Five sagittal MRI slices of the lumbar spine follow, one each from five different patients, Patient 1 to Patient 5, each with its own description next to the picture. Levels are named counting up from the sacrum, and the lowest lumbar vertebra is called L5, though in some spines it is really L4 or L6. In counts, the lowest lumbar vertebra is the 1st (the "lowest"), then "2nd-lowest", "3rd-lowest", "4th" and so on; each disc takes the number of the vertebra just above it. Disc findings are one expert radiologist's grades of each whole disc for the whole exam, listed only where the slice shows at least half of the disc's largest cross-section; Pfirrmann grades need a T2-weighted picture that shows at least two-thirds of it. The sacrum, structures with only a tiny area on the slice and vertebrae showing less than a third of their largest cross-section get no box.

Patient 1 of 5:
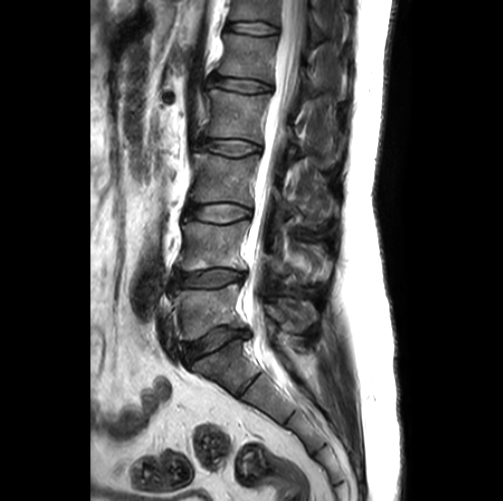 Sagittal T2-weighted lumbar spine MRI. Sex M. 503x501 px.
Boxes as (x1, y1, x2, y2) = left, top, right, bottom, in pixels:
Structures:
- L2/L3 (4th disc) — (196, 138, 260, 156)
- T12 (6th vertebra) — (231, 0, 323, 44)
- L3 (3rd-lowest vertebra) — (191, 153, 335, 219)
- spinal canal — (245, 0, 305, 380)
- T12/L1 (6th disc) — (227, 22, 277, 34)
- L4 (2nd-lowest vertebra) — (178, 221, 329, 280)
- L4/L5 (2nd-lowest disc) — (169, 269, 242, 288)
- L3/L4 (3rd-lowest disc) — (185, 203, 250, 222)
- L2 (4th vertebra) — (205, 89, 299, 159)
- L1 (5th vertebra) — (218, 34, 314, 94)
- intervertebral disc L5/S1 (lowest disc) — (176, 327, 247, 365)
- L5 (lowest vertebra) — (171, 284, 315, 339)
- intervertebral disc L1/L2 (5th disc) — (212, 75, 270, 91)

Radiological gradings:
- L2/L3 (4th disc): Pfirrmann grade 2
- T12/L1 (6th disc): Pfirrmann grade 1
- L1/L2 (5th disc): Pfirrmann grade 2
- L5/S1 (lowest disc): Pfirrmann grade 3, disc bulging, disc narrowing
- L3/L4 (3rd-lowest disc): Pfirrmann grade 2
- L4/L5 (2nd-lowest disc): Pfirrmann grade 3, Modic type II, disc narrowing, lower-endplate change, upper-endplate change, disc bulging

Patient 2 of 5:
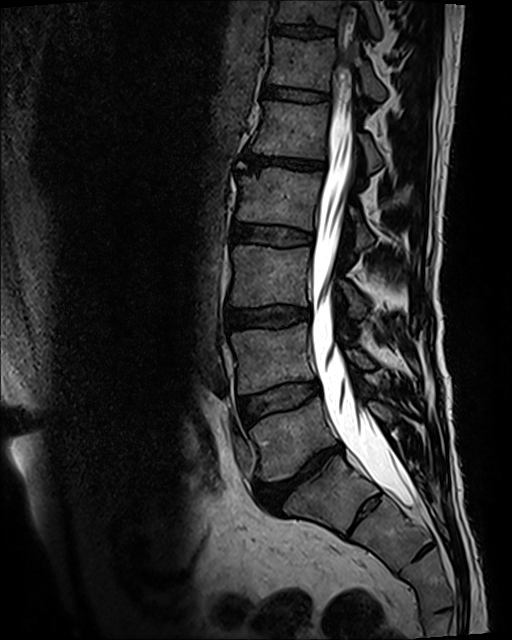 MRI lumbar spine (T2 SPACE (3D)), sagittal plane

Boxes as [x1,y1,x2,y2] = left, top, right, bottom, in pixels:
Structures:
* 6th disc: [262,81,328,101]
* 7th vertebra: [275,0,379,36]
* lowest disc: [257,443,342,511]
* 5th vertebra: [253,100,381,172]
* 2nd-lowest vertebra: [231,323,372,393]
* 6th vertebra: [269,37,386,99]
* 4th disc: [232,223,313,245]
* 4th vertebra: [238,168,373,250]
* 7th disc: [272,25,332,36]
* lowest vertebra: [250,397,394,481]
* thecal sac / spinal canal: [310,12,416,505]
* 3rd-lowest vertebra: [230,245,365,318]
* 3rd-lowest disc: [226,308,311,328]
* 5th disc: [243,152,324,169]
* 2nd-lowest disc: [240,381,318,424]

Degenerative findings by level:
  3rd-lowest disc: Pfirrmann grade 3, upper-endplate change, lower-endplate change, disc bulging
  4th disc: Pfirrmann grade 3
  7th disc: Pfirrmann grade 3, upper-endplate change, lower-endplate change
  6th disc: Pfirrmann grade 3
  5th disc: Pfirrmann grade 5, lower-endplate change, disc bulging, disc narrowing, upper-endplate change, Modic type II
  lowest disc: Pfirrmann grade 5, Modic type II, disc narrowing, upper-endplate change, disc bulging, lower-endplate change
  2nd-lowest disc: Pfirrmann grade 3, Modic type II

Patient 3 of 5:
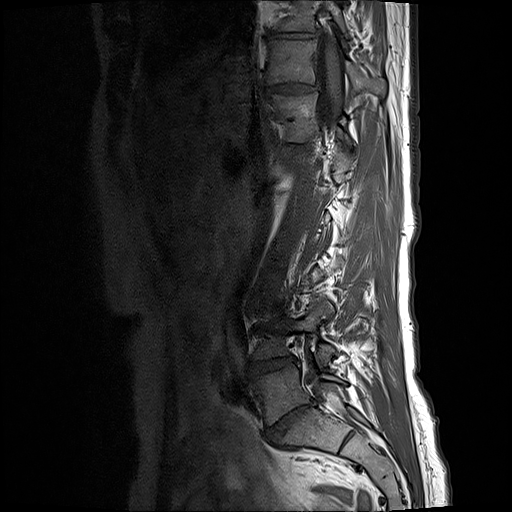
Patient sex: F. 512x512 px. Lumbar spine MR, T1-weighted, sagittal.
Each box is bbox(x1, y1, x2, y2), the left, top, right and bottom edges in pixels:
T10/T11: bbox(268, 31, 317, 39).
T11: bbox(266, 40, 385, 97).
Disc L5/S1: bbox(266, 402, 311, 440).
L5 vertebra: bbox(253, 363, 342, 424).
Disc L4/L5: bbox(249, 358, 292, 374).
T10 vertebra: bbox(271, 2, 350, 40).
L4: bbox(254, 300, 335, 365).
T12: bbox(271, 95, 318, 142).
T11/T12: bbox(266, 83, 317, 95).
Spinal canal: bbox(310, 35, 344, 391).

Degenerative findings by level:
  L4/L5: Modic type II, disc narrowing, disc bulging
  T11/T12: disc narrowing, disc bulging
  L5/S1: upper-endplate change, Modic type II, disc bulging, disc narrowing, lower-endplate change
  T10/T11: disc bulging, disc narrowing

Patient 4 of 5:
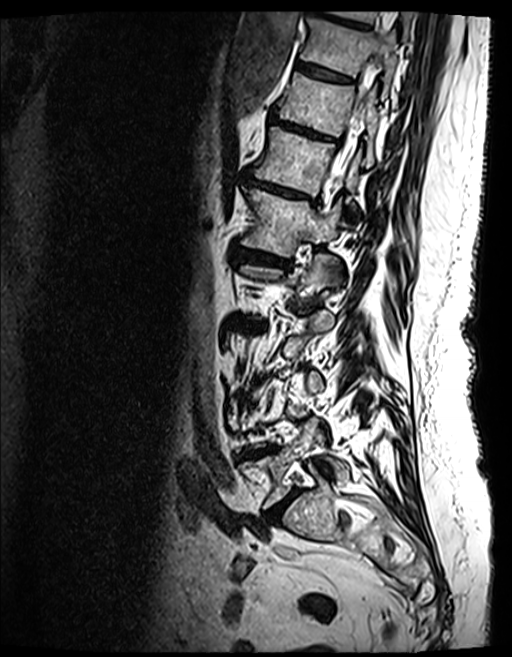

Slice 52/154; T2 SPACE (3D) sagittal MRI of the lumbar spine

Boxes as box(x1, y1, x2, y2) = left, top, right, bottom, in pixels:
- 9th vertebra = box(328, 10, 414, 38)
- lowest disc = box(268, 489, 297, 521)
- 8th vertebra = box(300, 17, 397, 97)
- 4th disc = box(230, 318, 265, 330)
- thecal sac / spinal canal = box(319, 29, 385, 216)
- lowest vertebra = box(240, 421, 348, 508)
- 7th disc = box(270, 115, 331, 140)
- 7th vertebra = box(277, 73, 377, 164)
- 8th disc = box(296, 61, 350, 82)
- 6th disc = box(249, 178, 309, 199)
- 5th vertebra = box(241, 187, 340, 256)
- 6th vertebra = box(253, 126, 360, 223)
- 9th disc = box(310, 1, 368, 28)
- 2nd-lowest disc = box(237, 452, 256, 458)
- 5th disc = box(234, 247, 288, 264)

Degenerative findings by level:
- 9th disc: Pfirrmann grade 4, Modic type II, upper-endplate change, disc bulging, lower-endplate change
- 5th disc: upper-endplate change, lower-endplate change, disc bulging, disc narrowing, Modic type II
- 8th disc: Pfirrmann grade 4, Modic type II, lower-endplate change, upper-endplate change
- 7th disc: Pfirrmann grade 5, upper-endplate change, Modic type II, lower-endplate change, disc narrowing, disc bulging
- 6th disc: Pfirrmann grade 4, disc bulging, Modic type II, disc narrowing, lower-endplate change, upper-endplate change

Patient 5 of 5:
Lumbar spine MR, T1-weighted, sagittal.
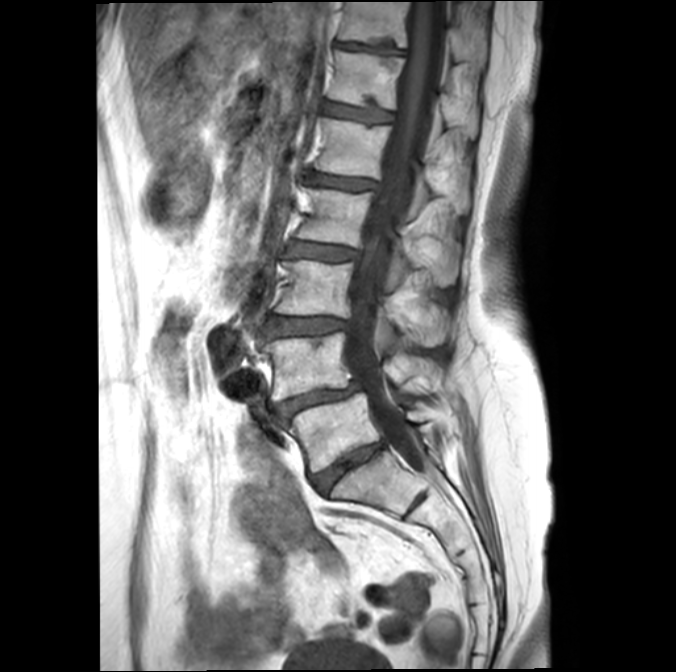 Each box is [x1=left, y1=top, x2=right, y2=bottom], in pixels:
Segmented structures:
- disc T11/T12 (7th disc): [x1=337, y1=41, x2=403, y2=53]
- L2/L3 (4th disc): [x1=290, y1=241, x2=356, y2=260]
- L2 (4th vertebra): [x1=297, y1=189, x2=460, y2=286]
- disc L4/L5 (2nd-lowest disc): [x1=276, y1=383, x2=360, y2=417]
- L5 (lowest vertebra): [x1=290, y1=393, x2=432, y2=472]
- T12 (6th vertebra): [x1=326, y1=50, x2=477, y2=133]
- thecal sac / spinal canal: [x1=346, y1=0, x2=445, y2=476]
- L1 (5th vertebra): [x1=315, y1=117, x2=469, y2=211]
- L3 (3rd-lowest vertebra): [x1=276, y1=259, x2=452, y2=345]
- L5/S1 (lowest disc): [x1=313, y1=442, x2=385, y2=492]
- disc T12/L1 (6th disc): [x1=322, y1=102, x2=394, y2=121]
- T11 (7th vertebra): [x1=337, y1=1, x2=486, y2=65]
- L1/L2 (5th disc): [x1=309, y1=172, x2=375, y2=189]
- L4 (2nd-lowest vertebra): [x1=262, y1=331, x2=448, y2=400]
- disc L3/L4 (3rd-lowest disc): [x1=268, y1=316, x2=346, y2=336]

Radiological gradings:
- L4/L5 (2nd-lowest disc): disc bulging, lower-endplate change, spondylolisthesis, Modic type II, disc narrowing
- T11/T12 (7th disc): disc bulging, lower-endplate change, upper-endplate change
- L5/S1 (lowest disc): Modic type II, disc bulging, lower-endplate change, disc narrowing
- L3/L4 (3rd-lowest disc): lower-endplate change, Modic type II, disc bulging, upper-endplate change
- L2/L3 (4th disc): upper-endplate change, Modic type II
- T12/L1 (6th disc): lower-endplate change, upper-endplate change, Modic type II
- L1/L2 (5th disc): Modic type II, lower-endplate change